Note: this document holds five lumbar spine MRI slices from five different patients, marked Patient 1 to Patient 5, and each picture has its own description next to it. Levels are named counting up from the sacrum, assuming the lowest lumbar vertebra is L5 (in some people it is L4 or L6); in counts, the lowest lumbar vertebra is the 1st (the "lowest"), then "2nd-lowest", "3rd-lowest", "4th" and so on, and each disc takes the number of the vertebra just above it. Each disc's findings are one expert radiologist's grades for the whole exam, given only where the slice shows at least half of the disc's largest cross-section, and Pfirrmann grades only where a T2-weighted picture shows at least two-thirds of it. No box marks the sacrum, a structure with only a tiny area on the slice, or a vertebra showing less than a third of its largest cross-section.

Patient 1 of 5:
Slice 9/15, Patient sex: M, Sagittal T1-weighted lumbar spine MRI 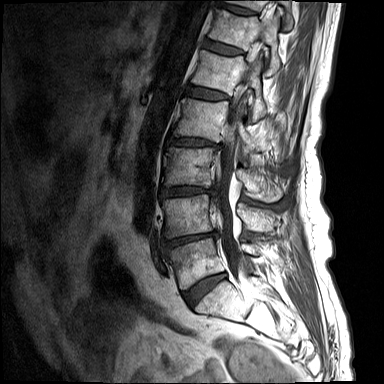

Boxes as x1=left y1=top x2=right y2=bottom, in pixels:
Segmented structures:
• L5/S1 (lowest disc): x1=183 y1=273 x2=226 y2=307
• IVD T12/L1 (6th disc): x1=204 y1=40 x2=245 y2=56
• IVD L1/L2 (5th disc): x1=187 y1=85 x2=229 y2=99
• T12 (6th vertebra): x1=209 y1=8 x2=281 y2=76
• thecal sac / spinal canal: x1=216 y1=20 x2=269 y2=274
• T11 (7th vertebra): x1=226 y1=0 x2=293 y2=30
• L3 (3rd-lowest vertebra): x1=161 y1=147 x2=282 y2=202
• L2 (4th vertebra): x1=173 y1=98 x2=263 y2=150
• L4 (2nd-lowest vertebra): x1=163 y1=194 x2=276 y2=237
• IVD T11/T12 (7th disc): x1=216 y1=1 x2=258 y2=15
• IVD L4/L5 (2nd-lowest disc): x1=165 y1=232 x2=218 y2=250
• L5 (lowest vertebra): x1=170 y1=238 x2=259 y2=289
• IVD L2/L3 (4th disc): x1=167 y1=137 x2=221 y2=147
• IVD L3/L4 (3rd-lowest disc): x1=161 y1=187 x2=216 y2=196
• L1 (5th vertebra): x1=192 y1=50 x2=267 y2=121

Expert MSK radiologist gradings (per disc):
  L5/S1 (lowest disc): Modic type II, disc bulging
  L4/L5 (2nd-lowest disc): disc narrowing, upper-endplate change, disc bulging, lower-endplate change, Modic type I
  L3/L4 (3rd-lowest disc): Modic type II, disc bulging, upper-endplate change, disc herniation, disc narrowing, lower-endplate change
  L2/L3 (4th disc): lower-endplate change, upper-endplate change, Modic type II, disc bulging, disc narrowing
  T11/T12 (7th disc): lower-endplate change, upper-endplate change
  T12/L1 (6th disc), L1/L2 (5th disc): no Modic or endplate change, herniation, narrowing, bulging or spondylolisthesis recorded

Patient 2 of 5:
Image 448x448; Scanner: Philips Healthcare Ingenia (3T); Sagittal T2-weighted lumbar spine MRI

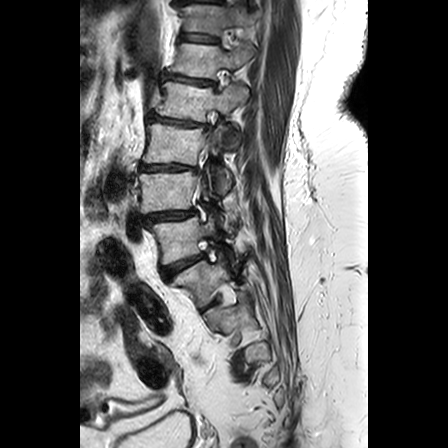 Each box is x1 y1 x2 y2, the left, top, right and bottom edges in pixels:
L5 vertebra at 152 216 215 264 | L2/L3 at 148 113 208 128 | L1 at 168 43 254 77 | L3/L4 at 140 164 197 170 | spinal canal at 197 145 207 188 | L4 at 139 171 222 218 | T12/L1 at 181 33 219 43 | L3 at 143 123 230 192 | disc L5/S1 at 160 253 205 277 | disc L1/L2 at 161 72 216 87 | T12 at 185 5 256 34 | L4/L5 at 140 210 194 223 | L2 at 156 81 249 144

Expert MSK radiologist gradings (per disc):
  T12/L1: Pfirrmann grade 3, lower-endplate change, upper-endplate change, Modic type II
  L5/S1: disc bulging
  L1/L2: Pfirrmann grade 3, disc bulging, disc narrowing, upper-endplate change, Modic type II, lower-endplate change
  L4/L5: Pfirrmann grade 4, disc bulging, disc narrowing, spondylolisthesis
  L2/L3: Pfirrmann grade 3, lower-endplate change, disc bulging, Modic type II, upper-endplate change, disc narrowing
  L3/L4: Pfirrmann grade 3, Modic type II, upper-endplate change, disc bulging, lower-endplate change, disc narrowing

Patient 3 of 5:
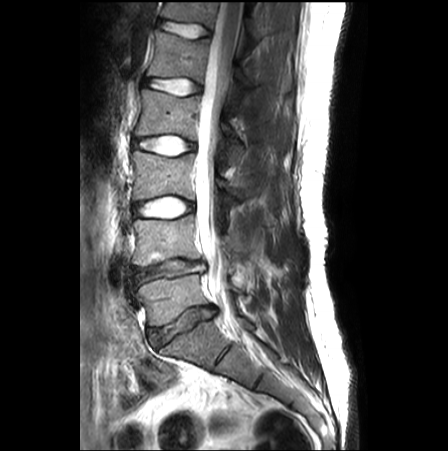
Sagittal slice index 11; Sagittal T2-weighted lumbar spine MRI; Field of view 280x282 mm
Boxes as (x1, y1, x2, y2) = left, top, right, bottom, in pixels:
T12/L1: (161, 21, 209, 38)
IVD L4/L5: (135, 259, 201, 280)
L3/L4: (134, 196, 193, 218)
L4 vertebra: (133, 215, 244, 265)
IVD L1/L2: (144, 77, 200, 95)
L2/L3: (133, 136, 194, 156)
L3: (131, 151, 240, 199)
L5 vertebra: (138, 274, 241, 325)
L2 vertebra: (135, 89, 242, 161)
L5/S1: (149, 306, 215, 346)
T12: (162, 2, 265, 40)
L1 vertebra: (147, 30, 256, 89)
thecal sac / spinal canal: (195, 2, 243, 314)

Expert MSK radiologist gradings (per disc):
• L1/L2: Pfirrmann grade 1
• L4/L5: Pfirrmann grade 3, disc bulging, disc narrowing
• T12/L1: Pfirrmann grade 1, lower-endplate change
• L5/S1: Pfirrmann grade 3, disc bulging, disc narrowing
• L2/L3: Pfirrmann grade 1
• L3/L4: Pfirrmann grade 1

Patient 4 of 5:
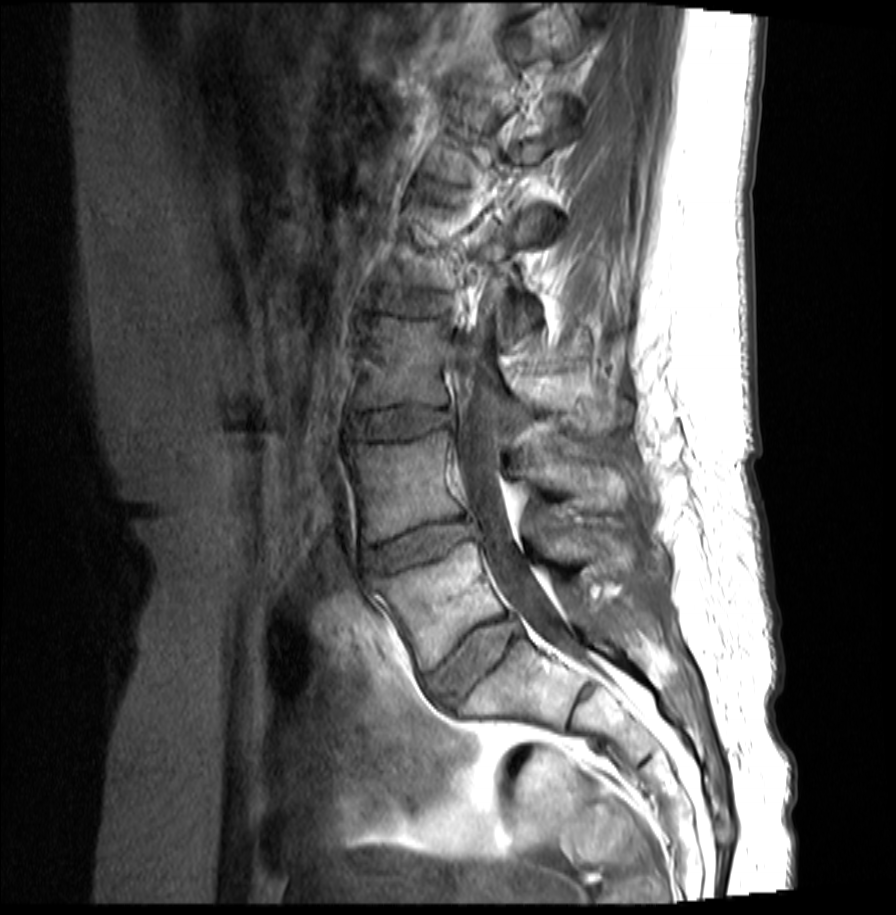

Image 896x915; Sagittal T1-weighted lumbar spine MRI; Field of view 280x286 mm, slice spacing 4.3 mm

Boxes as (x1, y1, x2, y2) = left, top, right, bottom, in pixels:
L5 = (372, 528, 638, 669).
L5/S1 = (425, 617, 519, 708).
IVD L1/L2 = (419, 184, 462, 202).
L4 = (348, 431, 635, 541).
L2/L3 = (371, 286, 450, 316).
Spinal canal = (455, 303, 569, 647).
L1 = (430, 100, 576, 238).
L3 = (355, 314, 631, 433).
L3/L4 = (350, 409, 453, 436).
L2 = (383, 203, 628, 333).
IVD L4/L5 = (365, 517, 477, 572).

Expert MSK radiologist gradings (per disc):
  L5/S1: disc bulging
  L3/L4: disc bulging
  L4/L5: disc herniation
  L2/L3: no Modic or endplate change, herniation, narrowing, bulging or spondylolisthesis recorded

Patient 5 of 5:
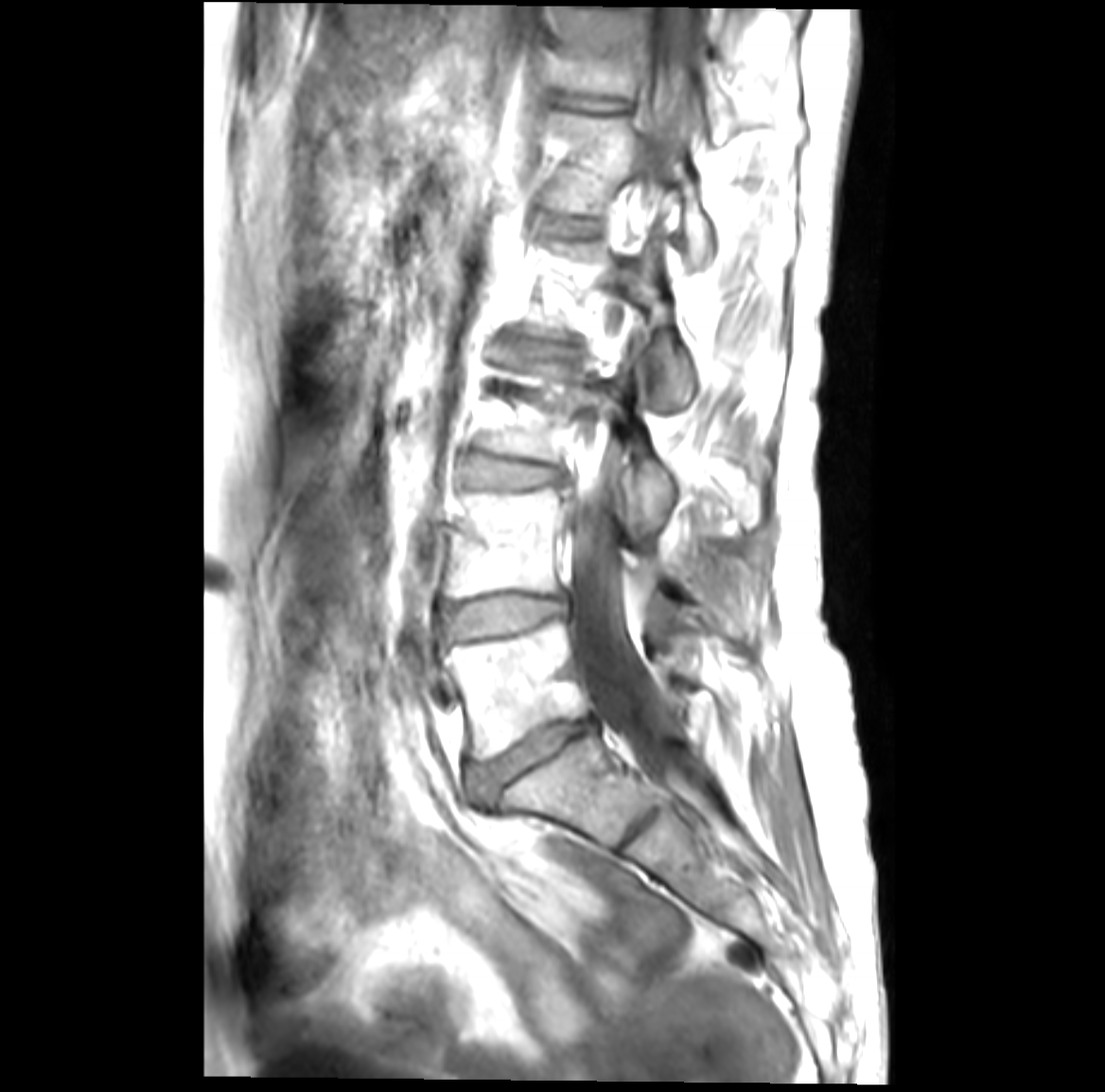 MRI lumbar spine (T1-weighted), sagittal plane.
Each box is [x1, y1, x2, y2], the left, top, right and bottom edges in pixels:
T12/L1 (6th disc): [556, 93, 626, 117]
L2/L3 (4th disc): [503, 343, 570, 356]
T12 (6th vertebra): [554, 9, 737, 140]
L5 (lowest vertebra): [444, 618, 695, 758]
L3/L4 (3rd-lowest disc): [466, 460, 558, 486]
L4 (2nd-lowest vertebra): [444, 487, 762, 631]
L1 (5th vertebra): [550, 112, 792, 266]
L5/S1 (lowest disc): [469, 719, 592, 798]
L3 (3rd-lowest vertebra): [481, 366, 762, 532]
thecal sac / spinal canal: [563, 9, 702, 781]
IVD L4/L5 (2nd-lowest disc): [447, 595, 565, 636]
L1/L2 (5th disc): [547, 217, 599, 237]

Radiological gradings:
• L4/L5 (2nd-lowest disc): disc bulging, Modic type II
• L5/S1 (lowest disc): disc bulging, disc narrowing, Modic type II
• L3/L4 (3rd-lowest disc): disc bulging, Modic type II
• T12/L1 (6th disc): no Modic or endplate change, herniation, narrowing, bulging or spondylolisthesis recorded